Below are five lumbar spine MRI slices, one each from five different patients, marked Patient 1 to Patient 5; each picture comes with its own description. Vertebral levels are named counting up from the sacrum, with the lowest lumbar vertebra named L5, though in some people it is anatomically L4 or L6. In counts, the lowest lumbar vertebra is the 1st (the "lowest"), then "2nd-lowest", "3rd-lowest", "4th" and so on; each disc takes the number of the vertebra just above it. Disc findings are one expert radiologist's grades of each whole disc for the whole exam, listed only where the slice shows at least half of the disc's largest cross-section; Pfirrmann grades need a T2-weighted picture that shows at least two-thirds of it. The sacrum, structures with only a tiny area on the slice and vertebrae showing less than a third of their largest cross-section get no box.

Patient 1 of 5:
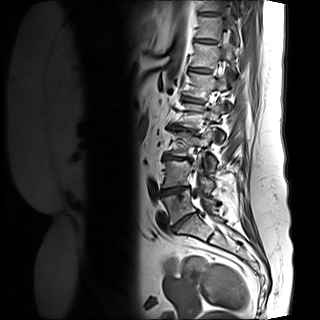 MRI lumbar spine (T1-weighted), sagittal plane

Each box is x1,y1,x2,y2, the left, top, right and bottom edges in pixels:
2nd-lowest vertebra = 162,156,214,191 | 7th vertebra = 196,16,238,45 | 6th disc = 189,68,211,72 | 7th disc = 194,39,217,43 | 4th vertebra = 179,101,224,142 | 3rd-lowest disc = 163,155,190,159 | 6th vertebra = 191,43,236,78 | 2nd-lowest disc = 161,186,189,195 | lowest vertebra = 162,189,216,224 | 5th vertebra = 183,72,230,110 | lowest disc = 172,213,193,231 | 5th disc = 182,96,204,103 | 4th disc = 170,125,195,132 | thecal sac / spinal canal = 193,6,230,205 | 3rd-lowest vertebra = 168,129,216,171

Degenerative findings by level:
- 2nd-lowest disc: Modic type II, upper-endplate change, disc narrowing, lower-endplate change, disc bulging
- lowest disc: disc bulging, lower-endplate change, Modic type II, disc narrowing, upper-endplate change
- 4th disc: upper-endplate change, disc narrowing, lower-endplate change, Modic type II, disc bulging
- 5th disc: disc bulging, Modic type II, disc narrowing, lower-endplate change, upper-endplate change
- 3rd-lowest disc: Modic type II, disc bulging, upper-endplate change, lower-endplate change, disc narrowing
- 6th disc, 7th disc: no Modic or endplate change, herniation, narrowing, bulging or spondylolisthesis recorded

Patient 2 of 5:
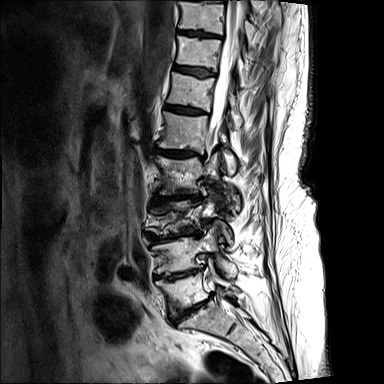 MRI lumbar spine (T2-weighted), sagittal plane; 384x384 px; Slice spacing 4.8 mm

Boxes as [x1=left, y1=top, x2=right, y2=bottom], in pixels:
• 2nd-lowest disc: [x1=155, y1=267, x2=203, y2=280]
• 2nd-lowest vertebra: [x1=152, y1=228, x2=236, y2=276]
• 7th vertebra: [x1=177, y1=36, x2=246, y2=86]
• lowest disc: [x1=175, y1=293, x2=213, y2=320]
• 5th vertebra: [x1=158, y1=112, x2=235, y2=173]
• 4th vertebra: [x1=154, y1=153, x2=239, y2=210]
• 8th vertebra: [x1=178, y1=0, x2=252, y2=42]
• 6th disc: [x1=166, y1=105, x2=203, y2=113]
• 7th disc: [x1=174, y1=66, x2=212, y2=76]
• lowest vertebra: [x1=156, y1=260, x2=240, y2=315]
• thecal sac / spinal canal: [x1=207, y1=0, x2=246, y2=148]
• 8th disc: [x1=178, y1=30, x2=218, y2=37]
• 4th disc: [x1=159, y1=194, x2=197, y2=200]
• 6th vertebra: [x1=168, y1=72, x2=242, y2=128]
• 3rd-lowest disc: [x1=150, y1=233, x2=179, y2=242]
• 5th disc: [x1=155, y1=148, x2=203, y2=157]

Per-level radiological findings:
  8th disc: Pfirrmann grade 4, upper-endplate change
  7th disc: Pfirrmann grade 4, upper-endplate change
  2nd-lowest disc: Pfirrmann grade 5, lower-endplate change, disc bulging, upper-endplate change, Modic type II, disc narrowing
  lowest disc: upper-endplate change, Modic type II, disc bulging, lower-endplate change, disc narrowing
  5th disc: Pfirrmann grade 5, Modic type I, upper-endplate change, disc bulging, lower-endplate change, disc narrowing
  6th disc: Pfirrmann grade 4

Patient 3 of 5:
MRI lumbar spine (T2 SPACE (3D)), sagittal plane. 512x652 px.
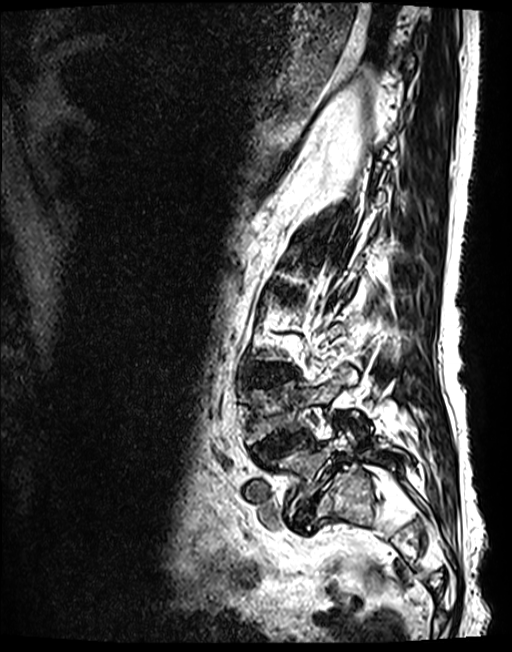 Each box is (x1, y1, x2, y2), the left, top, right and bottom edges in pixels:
{"L5/S1": "(293, 479, 330, 530)", "intervertebral disc L4/L5": "(253, 432, 309, 460)", "intervertebral disc L3/L4": "(248, 365, 293, 386)", "L5 vertebra": "(274, 428, 412, 519)", "L4": "(248, 368, 358, 443)"}

Per-level radiological findings:
• L5/S1: disc herniation, disc narrowing, spondylolisthesis, Modic type II
• L4/L5: upper-endplate change, lower-endplate change, disc narrowing, disc herniation, spondylolisthesis

Patient 4 of 5:
Slice 43 of 120. Sex M. MRI lumbar spine (T2 SPACE (3D)), sagittal plane.

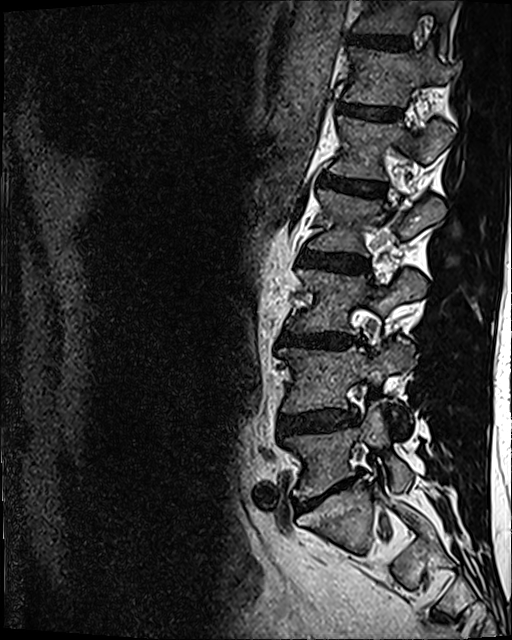
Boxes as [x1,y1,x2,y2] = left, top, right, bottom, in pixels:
L4 at [280,344,416,413].
T12 vertebra at [344,47,456,106].
T11/T12 at [353,34,410,49].
L2/L3 at [301,251,366,271].
L1/L2 at [321,174,384,196].
L2 at [310,190,445,254].
Disc L3/L4 at [280,331,363,348].
L1 at [331,116,454,180].
L5 at [285,400,411,499].
Disc L5/S1 at [296,480,352,508].
T11 vertebra at [352,0,455,50].
Disc L4/L5 at [280,408,358,432].
T12/L1 at [339,103,400,119].
L3 at [290,270,426,332].

Expert MSK radiologist gradings (per disc):
• L1/L2: Pfirrmann grade 4
• L4/L5: Pfirrmann grade 3, disc narrowing, disc bulging
• T11/T12: Pfirrmann grade 4
• L3/L4: Pfirrmann grade 4, disc narrowing, lower-endplate change, disc bulging
• L2/L3: Pfirrmann grade 3, disc bulging
• T12/L1: no herniation, bulging, narrowing, spondylolisthesis, endplate or Modic change recorded

Patient 5 of 5:
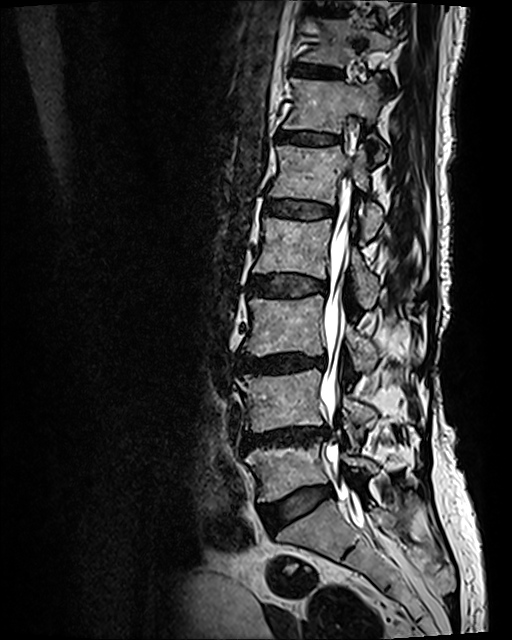 512x640 px; T2 SPACE (3D) sagittal MRI of the lumbar spine; Sex F; Sagittal slice index 51

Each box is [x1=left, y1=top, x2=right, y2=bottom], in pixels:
Intervertebral disc L2/L3: [x1=253, y1=274, x2=327, y2=297].
L1 vertebra: [x1=270, y1=145, x2=382, y2=238].
L4 vertebra: [x1=236, y1=369, x2=377, y2=447].
T11 vertebra: [x1=300, y1=19, x2=394, y2=66].
Intervertebral disc T12/L1: [x1=278, y1=132, x2=338, y2=145].
L2: [x1=253, y1=217, x2=379, y2=307].
Intervertebral disc L5/S1: [x1=259, y1=486, x2=331, y2=529].
L3 vertebra: [x1=242, y1=295, x2=380, y2=373].
T12 vertebra: [x1=283, y1=76, x2=383, y2=159].
Intervertebral disc T11/T12: [x1=293, y1=64, x2=341, y2=78].
L4/L5: [x1=242, y1=427, x2=329, y2=450].
Intervertebral disc L1/L2: [x1=265, y1=201, x2=334, y2=219].
Intervertebral disc L3/L4: [x1=236, y1=352, x2=326, y2=373].
L5 vertebra: [x1=245, y1=443, x2=377, y2=501].
Thecal sac / spinal canal: [x1=320, y1=180, x2=373, y2=531].

Degenerative findings by level:
- L2/L3: Pfirrmann grade 3, Modic type II, disc bulging, upper-endplate change, lower-endplate change
- T11/T12: Modic type II, lower-endplate change, upper-endplate change
- T12/L1: Pfirrmann grade 2, Modic type II, lower-endplate change, upper-endplate change
- L4/L5: Pfirrmann grade 4, disc bulging, upper-endplate change, disc narrowing, Modic type II, lower-endplate change
- L1/L2: Pfirrmann grade 3, upper-endplate change, Modic type II, lower-endplate change
- L5/S1: Pfirrmann grade 2, disc bulging
- L3/L4: Pfirrmann grade 4, Modic type II, disc narrowing, disc bulging, upper-endplate change, lower-endplate change